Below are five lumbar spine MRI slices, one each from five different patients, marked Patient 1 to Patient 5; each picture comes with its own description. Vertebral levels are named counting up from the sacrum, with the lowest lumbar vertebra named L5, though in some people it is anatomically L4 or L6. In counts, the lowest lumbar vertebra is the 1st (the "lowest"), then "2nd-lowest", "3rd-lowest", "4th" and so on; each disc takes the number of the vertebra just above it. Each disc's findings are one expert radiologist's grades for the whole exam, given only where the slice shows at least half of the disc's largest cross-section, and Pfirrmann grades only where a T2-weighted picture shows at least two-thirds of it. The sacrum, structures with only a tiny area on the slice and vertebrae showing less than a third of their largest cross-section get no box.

Patient 1 of 5:
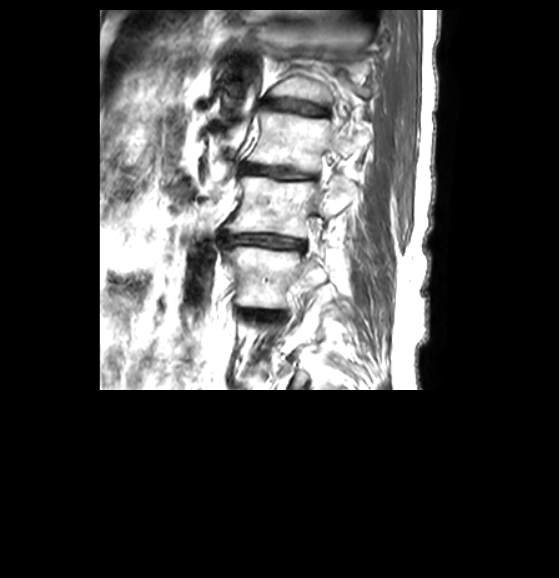 559x578 px; Sex F; Lumbar spine MR, T2-weighted, sagittal; Slice spacing 3.3 mm
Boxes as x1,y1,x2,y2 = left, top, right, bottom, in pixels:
Structures:
- spinal canal: 307,186,316,206
- 4th vertebra: 226,175,356,237
- 6th disc: 262,99,324,114
- 3rd-lowest vertebra: 223,246,326,307
- 3rd-lowest disc: 246,311,277,317
- 5th disc: 241,164,309,178
- 5th vertebra: 247,111,354,171
- 4th disc: 220,231,306,251

Per-level radiological findings:
• 4th disc: Pfirrmann grade 4, disc narrowing, disc bulging
• 6th disc: Pfirrmann grade 4, disc narrowing, lower-endplate change
• 5th disc: Pfirrmann grade 4, disc narrowing

Patient 2 of 5:
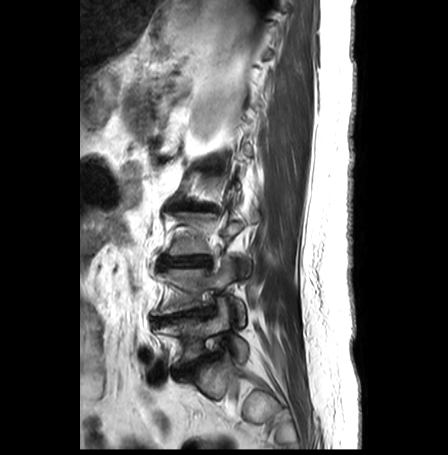

Sex F. T2-weighted sagittal MRI of the lumbar spine. Image 448x455. Sagittal slice index 22.
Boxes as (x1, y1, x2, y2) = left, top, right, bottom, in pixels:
2nd-lowest vertebra: (152, 256, 245, 324) | 2nd-lowest disc: (152, 307, 214, 325) | lowest disc: (173, 352, 219, 377) | 3rd-lowest disc: (159, 255, 211, 269) | 3rd-lowest vertebra: (168, 211, 258, 275) | lowest vertebra: (154, 297, 248, 368) | 4th disc: (174, 205, 214, 209)

Degenerative findings by level:
• lowest disc: Pfirrmann grade 4, upper-endplate change, Modic type II, disc bulging, disc narrowing, lower-endplate change
• 2nd-lowest disc: Pfirrmann grade 3, disc bulging, disc narrowing, lower-endplate change, Modic type II, disc herniation, upper-endplate change
• 3rd-lowest disc: Pfirrmann grade 5, Modic type II, lower-endplate change, upper-endplate change, disc narrowing, disc bulging

Patient 3 of 5:
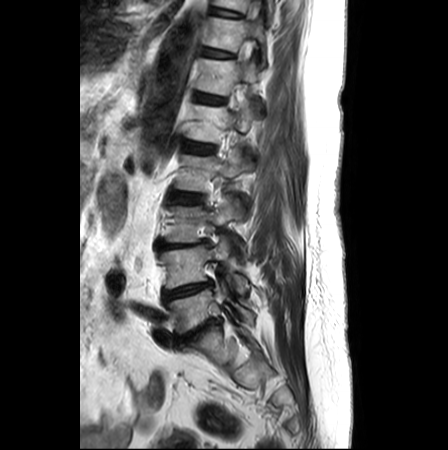

Patient sex: F. MRI lumbar spine (T2-weighted), sagittal plane. Slice 18 of 26. Field of view 280x281 mm, slice spacing 3.3 mm.
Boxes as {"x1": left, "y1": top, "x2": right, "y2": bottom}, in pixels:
• L2 at {"x1": 175, "y1": 148, "x2": 248, "y2": 191}
• disc L1/L2 at {"x1": 183, "y1": 141, "x2": 214, "y2": 153}
• L2/L3 at {"x1": 171, "y1": 192, "x2": 201, "y2": 203}
• disc L5/S1 at {"x1": 178, "y1": 319, "x2": 218, "y2": 344}
• T10/T11 at {"x1": 212, "y1": 8, "x2": 241, "y2": 16}
• T12 at {"x1": 196, "y1": 58, "x2": 258, "y2": 95}
• L3 at {"x1": 166, "y1": 195, "x2": 240, "y2": 242}
• L5 at {"x1": 167, "y1": 283, "x2": 254, "y2": 335}
• disc T12/L1 at {"x1": 195, "y1": 93, "x2": 225, "y2": 104}
• T11 vertebra at {"x1": 204, "y1": 16, "x2": 265, "y2": 65}
• L4 vertebra at {"x1": 159, "y1": 236, "x2": 249, "y2": 293}
• T11/T12 at {"x1": 202, "y1": 48, "x2": 234, "y2": 57}
• L1 at {"x1": 186, "y1": 102, "x2": 253, "y2": 142}
• T10 vertebra at {"x1": 213, "y1": 0, "x2": 274, "y2": 16}
• disc L3/L4 at {"x1": 158, "y1": 240, "x2": 206, "y2": 249}
• L4/L5 at {"x1": 163, "y1": 282, "x2": 212, "y2": 301}
• spinal canal at {"x1": 252, "y1": 0, "x2": 259, "y2": 19}

Per-level radiological findings:
• L4/L5: Pfirrmann grade 5, disc bulging, disc narrowing
• L2/L3: disc bulging
• T11/T12: Pfirrmann grade 1
• L5/S1: Pfirrmann grade 5, Modic type II, upper-endplate change, disc narrowing, disc bulging, lower-endplate change
• T12/L1: Pfirrmann grade 2
• T10/T11: Pfirrmann grade 1
• L1/L2: no Modic or endplate change, herniation, narrowing, bulging or spondylolisthesis recorded

Patient 4 of 5:
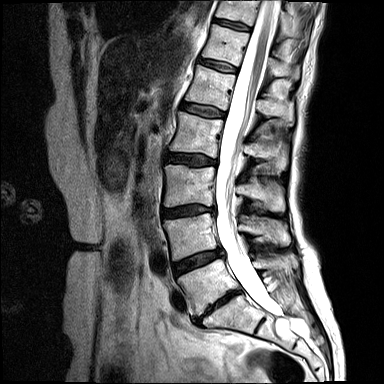 384x384 px; Sagittal slice index 7; Lumbar spine MR, T2-weighted, sagittal
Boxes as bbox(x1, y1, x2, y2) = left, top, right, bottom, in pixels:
L2: bbox(170, 112, 288, 171).
IVD L3/L4: bbox(163, 206, 214, 217).
Spinal canal: bbox(215, 0, 284, 320).
L4 vertebra: bbox(164, 214, 290, 260).
L3: bbox(164, 165, 285, 212).
T11: bbox(216, 0, 306, 40).
L2/L3: bbox(167, 154, 218, 166).
L4/L5: bbox(173, 250, 221, 274).
T12 vertebra: bbox(202, 24, 300, 80).
L1: bbox(186, 65, 294, 125).
IVD T11/T12: bbox(214, 19, 251, 30).
IVD L1/L2: bbox(182, 103, 226, 117).
T12/L1: bbox(200, 58, 237, 72).
L5 vertebra: bbox(177, 257, 297, 315).
IVD L5/S1: bbox(195, 291, 239, 321).

Radiological gradings:
  L1/L2: Pfirrmann grade 2, Modic type II
  T12/L1: Pfirrmann grade 2
  L3/L4: Pfirrmann grade 4, disc bulging, disc narrowing, Modic type II
  L2/L3: Pfirrmann grade 3, Modic type II, upper-endplate change, disc bulging
  L5/S1: Pfirrmann grade 5, lower-endplate change, disc narrowing, Modic type II, disc bulging, upper-endplate change
  L4/L5: Pfirrmann grade 4, Modic type II, disc bulging
  T11/T12: Pfirrmann grade 2

Patient 5 of 5:
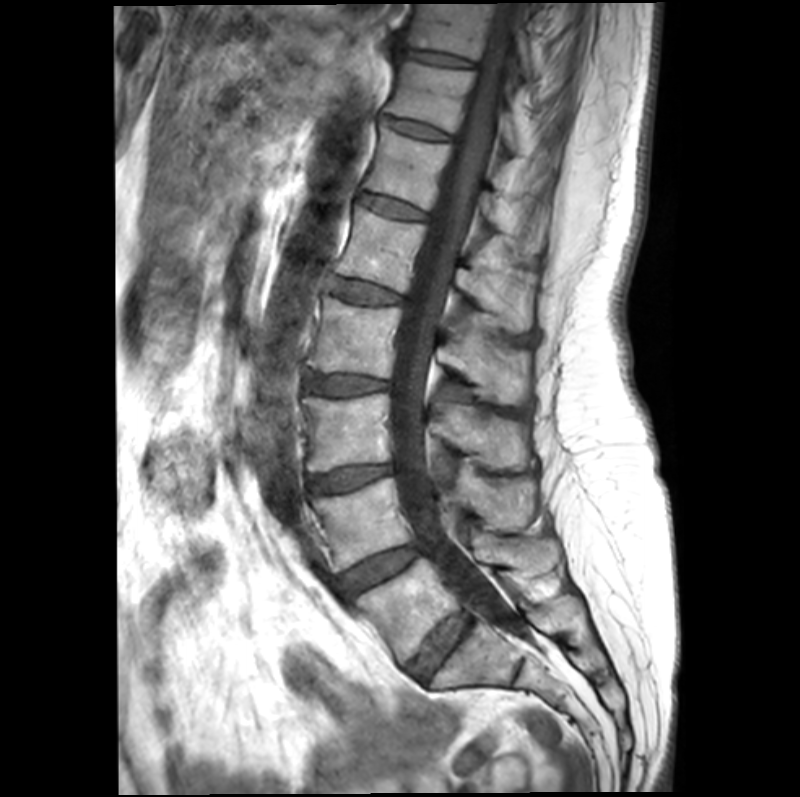 Lumbar spine MR, T1-weighted, sagittal. Slice 11/21.
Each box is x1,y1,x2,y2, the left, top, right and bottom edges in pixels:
thecal sac / spinal canal: 393,5,535,646
4th vertebra: 306,295,529,403
7th vertebra: 385,62,519,153
4th disc: 302,371,389,395
8th disc: 397,48,472,65
2nd-lowest disc: 336,545,420,598
2nd-lowest vertebra: 312,476,534,572
3rd-lowest disc: 309,464,392,493
6th vertebra: 366,124,543,250
lowest disc: 406,614,470,682
3rd-lowest vertebra: 301,393,529,471
8th vertebra: 403,4,529,77
5th disc: 330,277,404,302
6th disc: 361,193,428,219
lowest vertebra: 356,534,561,665
7th disc: 380,116,449,140
5th vertebra: 333,206,530,332

Degenerative findings by level:
- 6th disc: Modic type II
- 4th disc: upper-endplate change, disc bulging, lower-endplate change, Modic type II
- 2nd-lowest disc: Modic type II
- 5th disc: lower-endplate change, upper-endplate change, Modic type II
- 3rd-lowest disc: lower-endplate change, Modic type II, disc narrowing, upper-endplate change, disc bulging
- lowest disc: Modic type II
- 8th disc, 7th disc: no Modic or endplate change, herniation, narrowing, bulging or spondylolisthesis recorded